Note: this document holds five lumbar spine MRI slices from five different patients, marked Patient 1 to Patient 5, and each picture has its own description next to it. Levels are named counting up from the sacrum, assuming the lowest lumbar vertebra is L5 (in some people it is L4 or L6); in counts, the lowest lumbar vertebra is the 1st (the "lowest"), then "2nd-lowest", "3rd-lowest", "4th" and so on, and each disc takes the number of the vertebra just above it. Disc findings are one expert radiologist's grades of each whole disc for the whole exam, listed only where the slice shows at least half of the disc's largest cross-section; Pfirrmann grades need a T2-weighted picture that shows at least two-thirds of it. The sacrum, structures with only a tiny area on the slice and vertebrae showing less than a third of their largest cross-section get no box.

Patient 1 of 5:
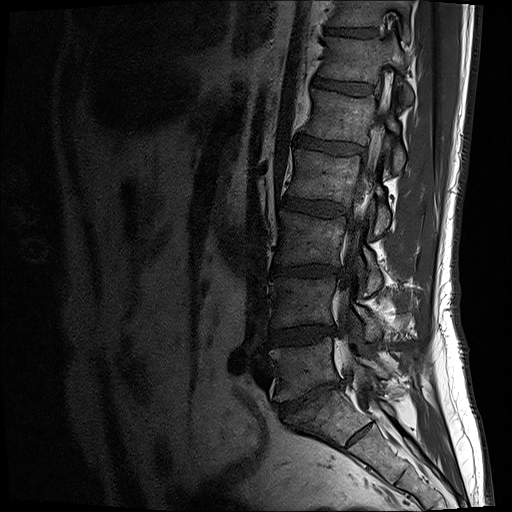
Patient sex: M. MRI lumbar spine (T1-weighted), sagittal plane. 512x512 px.
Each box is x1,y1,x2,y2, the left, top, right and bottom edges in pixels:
6th disc at 315,78,373,95.
5th vertebra at 304,90,404,173.
3rd-lowest disc at 270,265,340,277.
4th disc at 282,198,350,217.
5th disc at 296,134,364,155.
Lowest disc at 280,381,343,415.
6th vertebra at 319,37,413,103.
3rd-lowest vertebra at 276,211,381,295.
Spinal canal at 338,109,385,407.
7th vertebra at 331,0,411,41.
2nd-lowest disc at 269,325,334,345.
4th vertebra at 288,150,389,236.
7th disc at 327,26,373,37.
2nd-lowest vertebra at 269,277,380,341.
Lowest vertebra at 270,338,387,402.

Expert MSK radiologist gradings (per disc):
• 2nd-lowest disc: disc narrowing, disc bulging
• 4th disc: disc bulging
• lowest disc: Modic type II, disc narrowing, disc bulging
• 3rd-lowest disc: lower-endplate change, disc bulging, disc narrowing
• 6th disc, 7th disc, 5th disc: no herniation, bulging, narrowing, spondylolisthesis, endplate or Modic change recorded

Patient 2 of 5:
Sex M. Scanner: SIEMENS Avanto_fit (1.5T). Slice 14/24. Sagittal T2-weighted lumbar spine MRI. 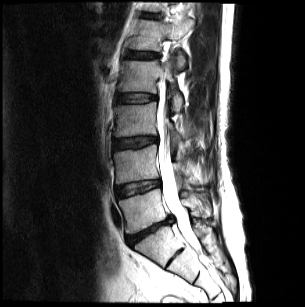
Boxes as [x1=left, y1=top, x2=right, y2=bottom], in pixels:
Segmented structures:
- L5 (lowest vertebra): [x1=119, y1=189, x2=210, y2=234]
- L2 (4th vertebra): [x1=118, y1=57, x2=183, y2=111]
- T12/L1 (6th disc): [x1=140, y1=14, x2=160, y2=18]
- L4 (2nd-lowest vertebra): [x1=113, y1=145, x2=209, y2=183]
- intervertebral disc L2/L3 (4th disc): [x1=117, y1=94, x2=156, y2=102]
- spinal canal: [x1=157, y1=104, x2=197, y2=248]
- intervertebral disc L1/L2 (5th disc): [x1=127, y1=52, x2=157, y2=59]
- L5/S1 (lowest disc): [x1=127, y1=216, x2=173, y2=245]
- L3 (3rd-lowest vertebra): [x1=113, y1=101, x2=188, y2=140]
- L1 (5th vertebra): [x1=129, y1=15, x2=193, y2=67]
- L3/L4 (3rd-lowest disc): [x1=113, y1=136, x2=157, y2=147]
- intervertebral disc L4/L5 (2nd-lowest disc): [x1=115, y1=180, x2=160, y2=196]

Degenerative findings by level:
• T12/L1 (6th disc): upper-endplate change, lower-endplate change
• L3/L4 (3rd-lowest disc): Pfirrmann grade 3, disc bulging, upper-endplate change
• L2/L3 (4th disc): Pfirrmann grade 2, Modic type II
• L1/L2 (5th disc): Pfirrmann grade 2, Modic type II, lower-endplate change, upper-endplate change
• L4/L5 (2nd-lowest disc): Pfirrmann grade 2, disc bulging
• L5/S1 (lowest disc): Pfirrmann grade 5, Modic type II, disc herniation, disc narrowing, disc bulging

Patient 3 of 5:
Sex M. Slice 67/120. T2 SPACE (3D) sagittal MRI of the lumbar spine.

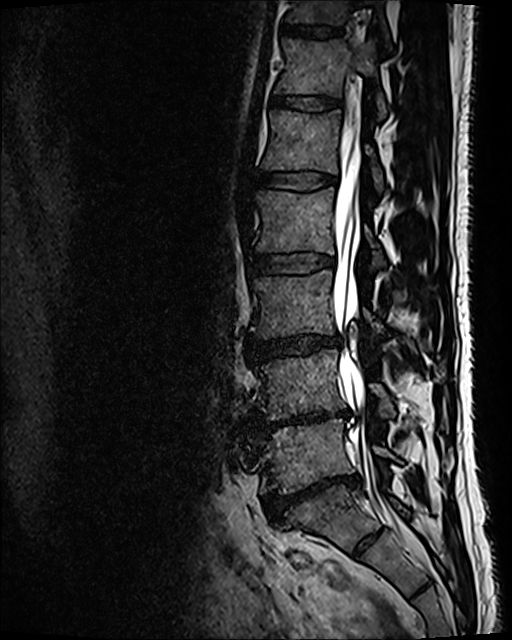 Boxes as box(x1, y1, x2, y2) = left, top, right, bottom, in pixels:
- L1/L2 = box(257, 171, 336, 189)
- disc L2/L3 = box(249, 253, 333, 273)
- T11 = box(286, 0, 389, 52)
- disc L5/S1 = box(263, 474, 361, 522)
- L4 vertebra = box(255, 349, 394, 420)
- T12 = box(274, 40, 387, 115)
- L3 vertebra = box(251, 270, 383, 338)
- T11/T12 = box(278, 25, 343, 40)
- L5 = box(258, 420, 402, 494)
- thecal sac / spinal canal = box(332, 74, 424, 561)
- L2 vertebra = box(256, 187, 383, 265)
- disc T12/L1 = box(271, 95, 341, 110)
- L1 vertebra = box(262, 109, 383, 190)
- L3/L4 = box(246, 335, 340, 359)
- L4/L5 = box(250, 410, 347, 429)

Radiological gradings:
  L1/L2: Pfirrmann grade 2
  L2/L3: Pfirrmann grade 2
  T11/T12: Pfirrmann grade 2
  T12/L1: Pfirrmann grade 2
  L5/S1: Pfirrmann grade 5, disc narrowing, spondylolisthesis, disc bulging, lower-endplate change
  L3/L4: Pfirrmann grade 3, disc narrowing, disc bulging

Patient 4 of 5:
Lumbar spine MR, T2-weighted, sagittal
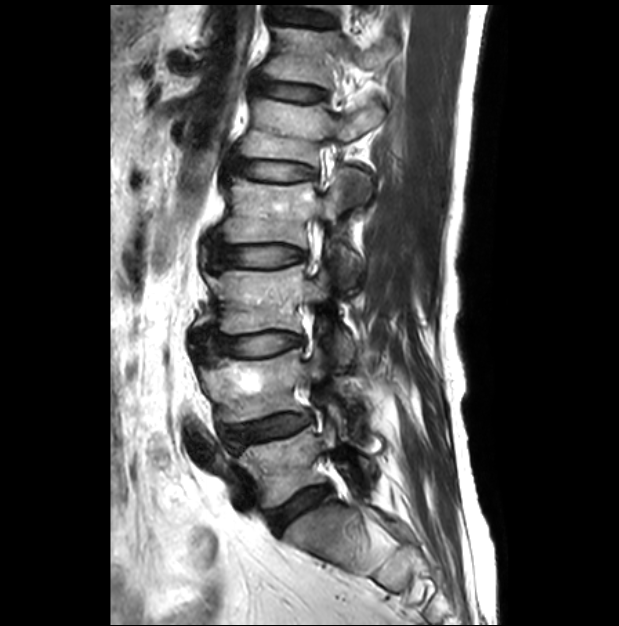

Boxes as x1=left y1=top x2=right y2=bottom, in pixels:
L1: x1=242 y1=99 x2=383 y2=166 | intervertebral disc L3/L4: x1=195 y1=327 x2=301 y2=361 | T12 vertebra: x1=265 y1=26 x2=387 y2=86 | T12/L1: x1=249 y1=75 x2=324 y2=101 | intervertebral disc L1/L2: x1=226 y1=151 x2=315 y2=181 | L2 vertebra: x1=224 y1=169 x2=372 y2=289 | L3: x1=207 y1=265 x2=354 y2=364 | T11/T12: x1=279 y1=16 x2=332 y2=25 | intervertebral disc L2/L3: x1=209 y1=234 x2=306 y2=270 | L5: x1=239 y1=422 x2=376 y2=507 | L4/L5: x1=225 y1=414 x2=311 y2=447 | L4: x1=200 y1=348 x2=361 y2=427 | L5/S1: x1=269 y1=486 x2=329 y2=530

Expert MSK radiologist gradings (per disc):
  L3/L4: Pfirrmann grade 1
  T12/L1: Pfirrmann grade 1
  L2/L3: Pfirrmann grade 1
  L4/L5: Pfirrmann grade 3, upper-endplate change, disc bulging, lower-endplate change, spondylolisthesis, disc narrowing
  L1/L2, L5/S1: no spondylolisthesis, narrowing, bulging, herniation, Modic or endplate change recorded

Patient 5 of 5:
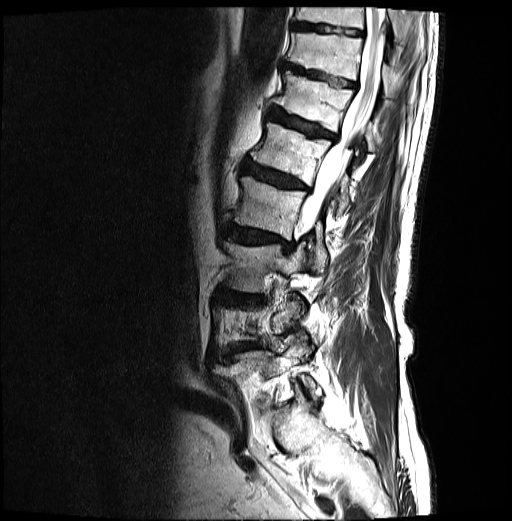

Patient sex: M. Lumbar spine MR, T2-weighted, sagittal.

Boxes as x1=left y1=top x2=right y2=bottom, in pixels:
Structures:
- 3rd-lowest disc at x1=228 y1=294 x2=259 y2=301
- 4th vertebra at x1=232 y1=176 x2=327 y2=269
- 7th vertebra at x1=286 y1=33 x2=392 y2=97
- 8th vertebra at x1=295 y1=7 x2=422 y2=39
- 7th disc at x1=282 y1=62 x2=356 y2=87
- 5th vertebra at x1=250 y1=122 x2=348 y2=215
- 8th disc at x1=292 y1=23 x2=361 y2=34
- 5th disc at x1=242 y1=160 x2=308 y2=189
- 4th disc at x1=225 y1=223 x2=293 y2=250
- 6th vertebra at x1=274 y1=71 x2=375 y2=151
- 6th disc at x1=268 y1=108 x2=336 y2=140
- 3rd-lowest vertebra at x1=223 y1=241 x2=305 y2=291
- spinal canal at x1=299 y1=7 x2=388 y2=232

Expert MSK radiologist gradings (per disc):
  6th disc: Pfirrmann grade 4, disc bulging, Modic type II, upper-endplate change, lower-endplate change
  4th disc: Pfirrmann grade 4, Modic type I, disc bulging, upper-endplate change, disc narrowing, lower-endplate change
  8th disc: Pfirrmann grade 3
  7th disc: Pfirrmann grade 4, disc bulging, upper-endplate change, lower-endplate change
  5th disc: Pfirrmann grade 4, upper-endplate change, lower-endplate change, Modic type II, disc bulging